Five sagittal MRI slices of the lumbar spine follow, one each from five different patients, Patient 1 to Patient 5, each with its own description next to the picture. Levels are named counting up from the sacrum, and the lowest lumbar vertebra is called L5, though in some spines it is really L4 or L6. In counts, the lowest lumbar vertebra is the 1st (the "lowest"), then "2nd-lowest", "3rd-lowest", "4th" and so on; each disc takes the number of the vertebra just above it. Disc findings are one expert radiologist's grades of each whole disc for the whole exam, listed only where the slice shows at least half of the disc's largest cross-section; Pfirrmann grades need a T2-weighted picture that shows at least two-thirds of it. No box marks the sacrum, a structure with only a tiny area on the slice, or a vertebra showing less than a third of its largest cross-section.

Patient 1 of 5:
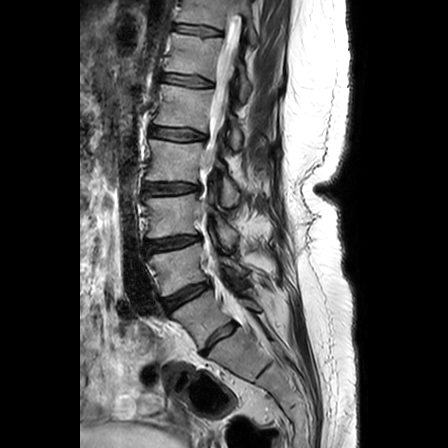
Lumbar spine MR, T2-weighted, sagittal
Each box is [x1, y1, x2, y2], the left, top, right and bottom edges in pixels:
Disc L1/L2 (5th disc) at [150, 126, 204, 140], disc L2/L3 (4th disc) at [144, 183, 198, 194], L4 (2nd-lowest vertebra) at [150, 243, 248, 295], T12/L1 (6th disc) at [162, 74, 212, 86], T11 (7th vertebra) at [177, 0, 258, 44], disc L5/S1 (lowest disc) at [200, 322, 236, 354], spinal canal at [201, 10, 240, 213], T12 (6th vertebra) at [165, 32, 251, 102], disc L3/L4 (3rd-lowest disc) at [146, 235, 200, 250], disc L4/L5 (2nd-lowest disc) at [164, 283, 207, 310], L3 (3rd-lowest vertebra) at [146, 192, 237, 247], disc T11/T12 (7th disc) at [175, 25, 220, 35], L5 (lowest vertebra) at [173, 290, 261, 348], L2 (4th vertebra) at [146, 139, 239, 207], L1 (5th vertebra) at [154, 84, 241, 149].

Expert MSK radiologist gradings (per disc):
• T12/L1 (6th disc): Pfirrmann grade 2, lower-endplate change, upper-endplate change
• L5/S1 (lowest disc): Pfirrmann grade 3
• L1/L2 (5th disc): Pfirrmann grade 3, lower-endplate change, disc bulging, upper-endplate change
• L4/L5 (2nd-lowest disc): Pfirrmann grade 4, disc narrowing, disc bulging
• T11/T12 (7th disc): Pfirrmann grade 2, upper-endplate change, lower-endplate change
• L3/L4 (3rd-lowest disc): Pfirrmann grade 3, upper-endplate change, disc bulging, lower-endplate change
• L2/L3 (4th disc): Pfirrmann grade 3, disc bulging, upper-endplate change, lower-endplate change

Patient 2 of 5:
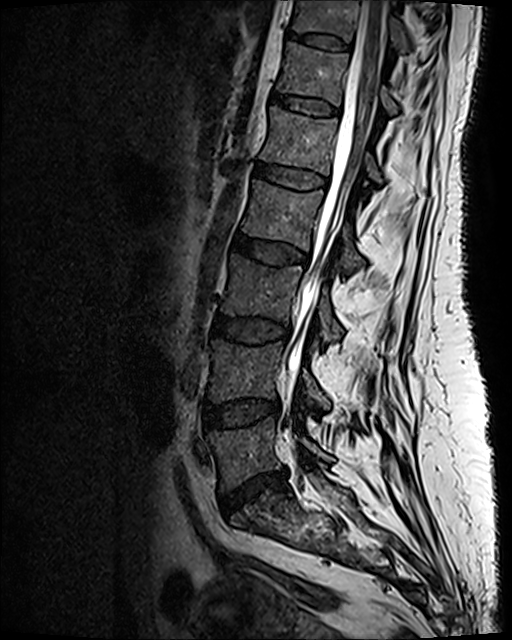

Sagittal slice index 53 | Lumbar spine MR, T2 SPACE (3D), sagittal | Image 512x640

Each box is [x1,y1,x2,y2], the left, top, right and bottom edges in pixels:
Structures:
• L3 (3rd-lowest vertebra): [221,255,342,341]
• L4 (2nd-lowest vertebra): [209,340,330,409]
• spinal canal: [287,0,385,383]
• T11 (7th vertebra): [292,0,407,54]
• L4/L5 (2nd-lowest disc): [205,401,280,427]
• IVD L1/L2 (5th disc): [255,162,327,189]
• L5 (lowest vertebra): [209,419,332,490]
• IVD L3/L4 (3rd-lowest disc): [213,317,289,343]
• L2 (4th vertebra): [242,181,363,272]
• L1 (5th vertebra): [260,107,381,183]
• IVD L5/S1 (lowest disc): [222,470,285,513]
• T12 (6th vertebra): [277,42,397,113]
• T11/T12 (7th disc): [286,30,350,51]
• L2/L3 (4th disc): [235,234,308,264]
• T12/L1 (6th disc): [272,94,339,114]

Per-level radiological findings:
- L1/L2 (5th disc): Pfirrmann grade 2
- T11/T12 (7th disc): Pfirrmann grade 2
- L3/L4 (3rd-lowest disc): Pfirrmann grade 3
- L2/L3 (4th disc): Pfirrmann grade 3, disc bulging
- T12/L1 (6th disc): Pfirrmann grade 2
- L4/L5 (2nd-lowest disc): Pfirrmann grade 3, disc bulging
- L5/S1 (lowest disc): Pfirrmann grade 3, disc herniation, disc narrowing, upper-endplate change, lower-endplate change

Patient 3 of 5:
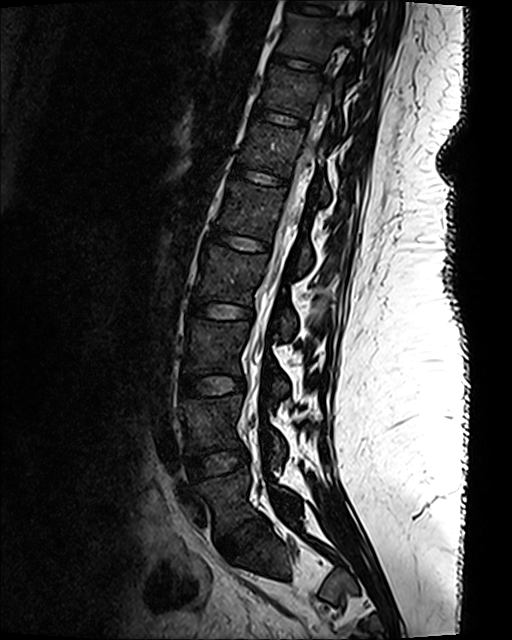

Lumbar spine MR, T2 SPACE (3D), sagittal; Image 512x640
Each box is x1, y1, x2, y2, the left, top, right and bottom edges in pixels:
7th vertebra at 260, 66, 345, 136; 4th disc at 191, 298, 252, 319; 8th disc at 273, 53, 320, 72; lowest vertebra at 195, 468, 299, 533; lowest disc at 219, 516, 267, 558; 3rd-lowest vertebra at 183, 320, 288, 398; 2nd-lowest disc at 187, 447, 248, 479; thecal sac / spinal canal at 255, 27, 347, 383; 5th disc at 211, 229, 268, 250; 6th vertebra at 239, 122, 329, 204; 4th vertebra at 196, 245, 296, 340; 8th vertebra at 279, 13, 361, 70; 6th disc at 233, 165, 286, 185; 3rd-lowest disc at 181, 374, 245, 396; 5th vertebra at 218, 180, 313, 273; 7th disc at 254, 107, 304, 126; 2nd-lowest vertebra at 181, 396, 286, 461.

Radiological gradings:
  6th disc: Pfirrmann grade 1
  7th disc: Pfirrmann grade 1
  5th disc: Pfirrmann grade 1
  3rd-lowest disc: Pfirrmann grade 1
  2nd-lowest disc: Pfirrmann grade 1
  8th disc: Pfirrmann grade 1
  4th disc: Pfirrmann grade 1
  lowest disc: no spondylolisthesis, narrowing, bulging, herniation, Modic or endplate change recorded

Patient 4 of 5:
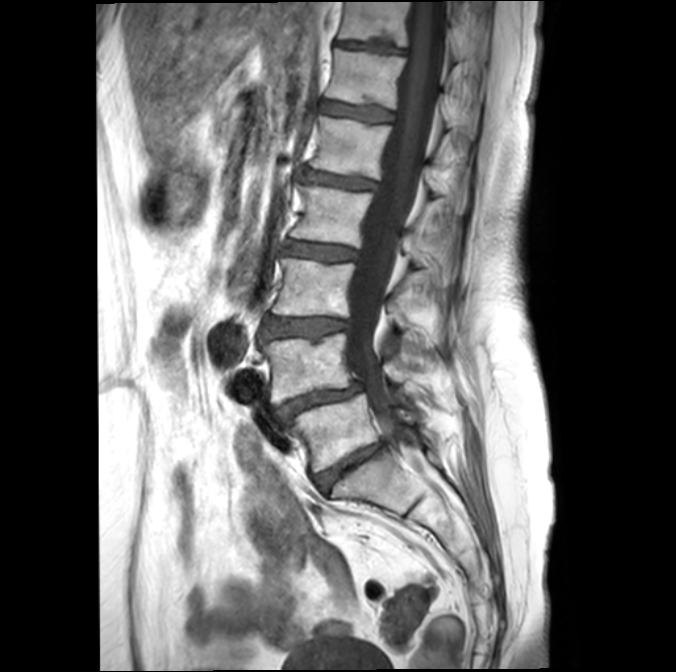 Slice spacing 4.4 mm. Image 676x672. Sagittal T1-weighted lumbar spine MRI. Sagittal slice index 11.
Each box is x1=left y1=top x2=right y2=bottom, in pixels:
L2 vertebra at x1=291 y1=183 x2=450 y2=271, disc L5/S1 at x1=316 y1=442 x2=383 y2=491, disc T11/T12 at x1=336 y1=41 x2=406 y2=52, disc L4/L5 at x1=278 y1=384 x2=360 y2=418, disc L3/L4 at x1=263 y1=317 x2=348 y2=338, L5 at x1=292 y1=393 x2=420 y2=472, T11 at x1=337 y1=1 x2=487 y2=59, disc L2/L3 at x1=286 y1=240 x2=357 y2=260, L4 vertebra at x1=262 y1=333 x2=412 y2=403, disc T12/L1 at x1=320 y1=101 x2=394 y2=120, L3 vertebra at x1=272 y1=257 x2=421 y2=329, L1 at x1=309 y1=115 x2=468 y2=213, T12 at x1=324 y1=47 x2=478 y2=135, disc L1/L2 at x1=303 y1=170 x2=377 y2=188, spinal canal at x1=346 y1=1 x2=445 y2=443.

Degenerative findings by level:
• L5/S1: disc bulging, lower-endplate change, disc narrowing, Modic type II
• T11/T12: disc bulging, lower-endplate change, upper-endplate change
• L2/L3: upper-endplate change, Modic type II
• L3/L4: lower-endplate change, upper-endplate change, Modic type II, disc bulging
• L1/L2: lower-endplate change, Modic type II
• L4/L5: disc narrowing, Modic type II, spondylolisthesis, lower-endplate change, disc bulging
• T12/L1: upper-endplate change, Modic type II, lower-endplate change

Patient 5 of 5:
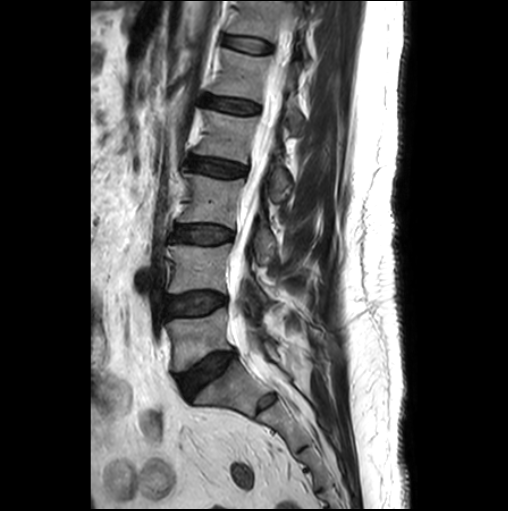

Sagittal T2-weighted lumbar spine MRI. Image 508x511.

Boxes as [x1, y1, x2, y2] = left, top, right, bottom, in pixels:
Annotations:
- spinal canal: [228, 60, 286, 377]
- L1 (5th vertebra): [211, 49, 304, 133]
- IVD T12/L1 (6th disc): [226, 36, 271, 52]
- T12 (6th vertebra): [229, 1, 308, 57]
- L2/L3 (4th disc): [188, 157, 245, 176]
- L5/S1 (lowest disc): [179, 351, 235, 397]
- IVD L4/L5 (2nd-lowest disc): [167, 293, 226, 316]
- L4 (2nd-lowest vertebra): [169, 244, 267, 303]
- IVD L1/L2 (5th disc): [204, 96, 258, 112]
- L2 (4th vertebra): [195, 110, 292, 203]
- L3 (3rd-lowest vertebra): [179, 173, 276, 260]
- L5 (lowest vertebra): [167, 308, 272, 371]
- IVD L3/L4 (3rd-lowest disc): [174, 225, 232, 243]

Degenerative findings by level:
- L1/L2 (5th disc): Pfirrmann grade 2
- T12/L1 (6th disc): Pfirrmann grade 1
- L2/L3 (4th disc): Pfirrmann grade 3
- L5/S1 (lowest disc): Pfirrmann grade 3, disc bulging, Modic type II
- L4/L5 (2nd-lowest disc): Pfirrmann grade 2, Modic type II
- L3/L4 (3rd-lowest disc): Pfirrmann grade 2